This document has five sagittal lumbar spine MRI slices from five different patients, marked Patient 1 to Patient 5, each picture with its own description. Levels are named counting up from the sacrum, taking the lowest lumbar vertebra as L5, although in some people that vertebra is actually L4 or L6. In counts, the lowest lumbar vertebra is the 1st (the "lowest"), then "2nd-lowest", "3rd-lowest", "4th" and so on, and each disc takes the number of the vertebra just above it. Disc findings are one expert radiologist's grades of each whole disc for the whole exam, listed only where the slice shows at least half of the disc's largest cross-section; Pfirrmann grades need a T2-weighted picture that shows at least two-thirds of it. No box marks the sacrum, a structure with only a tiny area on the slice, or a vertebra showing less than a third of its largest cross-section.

Patient 1 of 5:
Sex F | Sagittal slice index 12 | Lumbar spine MR, T1-weighted, sagittal

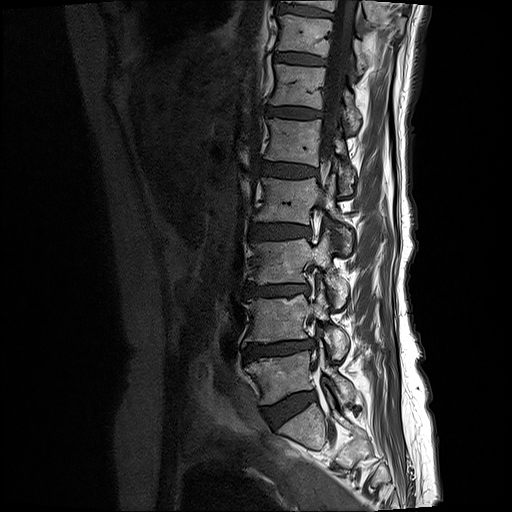
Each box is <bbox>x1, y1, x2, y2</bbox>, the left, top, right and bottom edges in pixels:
4th vertebra at <bbox>255, 174, 354, 248</bbox>, 3rd-lowest vertebra at <bbox>253, 230, 349, 306</bbox>, 3rd-lowest disc at <bbox>246, 283, 309, 296</bbox>, 6th vertebra at <bbox>270, 63, 360, 132</bbox>, 7th vertebra at <bbox>277, 14, 366, 73</bbox>, 4th disc at <bbox>250, 222, 310, 239</bbox>, 5th disc at <bbox>261, 162, 317, 177</bbox>, 2nd-lowest vertebra at <bbox>243, 288, 350, 359</bbox>, spinal canal at <bbox>322, 0, 358, 157</bbox>, 8th disc at <bbox>282, 6, 333, 17</bbox>, 8th vertebra at <bbox>288, 0, 378, 22</bbox>, 2nd-lowest disc at <bbox>245, 339, 316, 360</bbox>, 7th disc at <bbox>275, 54, 326, 64</bbox>, 6th disc at <bbox>270, 107, 321, 118</bbox>, lowest vertebra at <bbox>247, 347, 354, 404</bbox>, 5th vertebra at <bbox>266, 118, 355, 192</bbox>, lowest disc at <bbox>269, 391, 316, 422</bbox>.

Degenerative findings by level:
• 4th disc: lower-endplate change, disc bulging, Modic type II, upper-endplate change
• 8th disc: lower-endplate change, upper-endplate change
• 3rd-lowest disc: disc narrowing, Modic type II, lower-endplate change, upper-endplate change, disc bulging
• lowest disc: disc bulging
• 7th disc: lower-endplate change, upper-endplate change, Modic type II
• 6th disc: Modic type II, upper-endplate change, lower-endplate change
• 2nd-lowest disc: lower-endplate change, upper-endplate change, disc narrowing, disc bulging, Modic type II
• 5th disc: Modic type II, lower-endplate change, upper-endplate change

Patient 2 of 5:
Sagittal slice index 47 | 512x640 px | T2 SPACE (3D) sagittal MRI of the lumbar spine
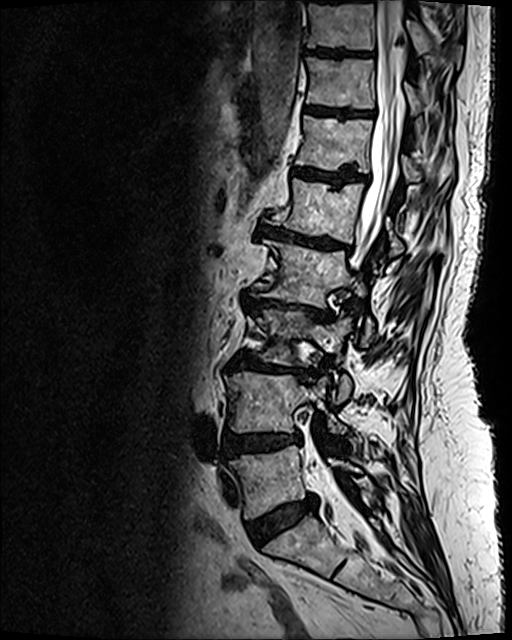

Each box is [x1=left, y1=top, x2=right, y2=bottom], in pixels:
Spinal canal at [x1=326, y1=0, x2=400, y2=487], L1 at [x1=273, y1=179, x2=403, y2=256], L4/L5 at [x1=223, y1=433, x2=300, y2=458], IVD L5/S1 at [x1=247, y1=495, x2=316, y2=543], L5 vertebra at [x1=229, y1=445, x2=361, y2=518], L3 vertebra at [x1=256, y1=310, x2=351, y2=401], T10 vertebra at [x1=307, y1=0, x2=460, y2=64], T10/T11 at [x1=308, y1=49, x2=353, y2=57], IVD T12/L1 at [x1=293, y1=169, x2=367, y2=184], IVD L3/L4 at [x1=230, y1=352, x2=305, y2=377], L2 at [x1=265, y1=240, x2=374, y2=345], IVD L1/L2 at [x1=260, y1=225, x2=349, y2=250], T12 at [x1=296, y1=115, x2=421, y2=180], IVD T11/T12 at [x1=306, y1=107, x2=373, y2=117], L4 vertebra at [x1=226, y1=372, x2=346, y2=432], T11 at [x1=306, y1=58, x2=451, y2=116], L2/L3 at [x1=242, y1=294, x2=332, y2=322].

Per-level radiological findings:
• L1/L2: Pfirrmann grade 5, upper-endplate change, Modic type II, disc narrowing, lower-endplate change, disc bulging
• L4/L5: Pfirrmann grade 4, lower-endplate change, disc bulging, upper-endplate change
• L5/S1: Pfirrmann grade 4, disc bulging
• T12/L1: Pfirrmann grade 4, Modic type II, lower-endplate change, upper-endplate change
• L2/L3: Pfirrmann grade 5, Modic type II, lower-endplate change, disc bulging, disc narrowing, upper-endplate change
• L3/L4: disc bulging, lower-endplate change, Modic type II, disc narrowing, upper-endplate change
• T10/T11: Pfirrmann grade 4, upper-endplate change, lower-endplate change
• T11/T12: Pfirrmann grade 4, lower-endplate change, upper-endplate change

Patient 3 of 5:
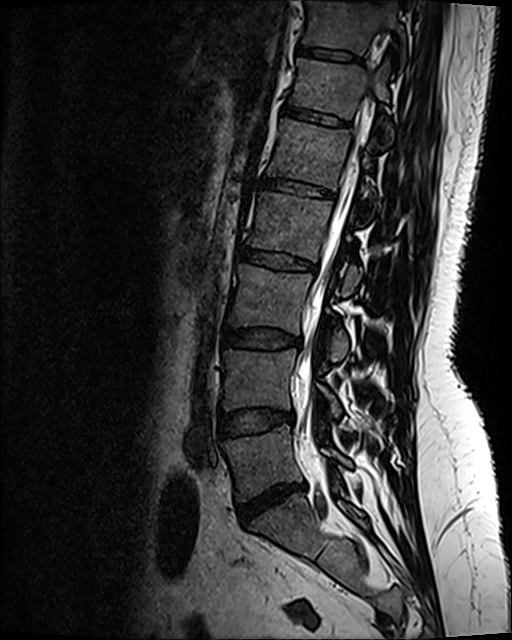 Sex F. Image 512x640. Lumbar spine MR, T2 SPACE (3D), sagittal. Slice 71 of 120.
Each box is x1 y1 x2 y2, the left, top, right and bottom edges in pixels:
T11/T12 (7th disc) — 299 49 359 63.
Thecal sac / spinal canal — 300 143 361 436.
IVD L2/L3 (4th disc) — 238 249 316 272.
L3/L4 (3rd-lowest disc) — 223 329 297 348.
L2 (4th vertebra) — 247 194 360 296.
T11 (7th vertebra) — 304 3 404 54.
L4 (2nd-lowest vertebra) — 224 350 341 419.
IVD T12/L1 (6th disc) — 284 107 349 130.
L5 (lowest vertebra) — 224 425 351 500.
T12 (6th vertebra) — 290 59 389 118.
IVD L1/L2 (5th disc) — 263 180 333 198.
L1 (5th vertebra) — 268 120 371 190.
L5/S1 (lowest disc) — 239 485 303 525.
L3 (3rd-lowest vertebra) — 229 265 348 361.
IVD L4/L5 (2nd-lowest disc) — 221 410 292 437.

Per-level radiological findings:
  L1/L2 (5th disc): Pfirrmann grade 2, upper-endplate change, lower-endplate change
  L3/L4 (3rd-lowest disc): Pfirrmann grade 2, disc bulging
  T12/L1 (6th disc): Pfirrmann grade 2, upper-endplate change, lower-endplate change
  L5/S1 (lowest disc): Pfirrmann grade 1, disc bulging, disc narrowing, disc herniation
  T11/T12 (7th disc): Pfirrmann grade 2
  L4/L5 (2nd-lowest disc): Pfirrmann grade 2, disc bulging
  L2/L3 (4th disc): Pfirrmann grade 4, disc bulging, lower-endplate change, upper-endplate change

Patient 4 of 5:
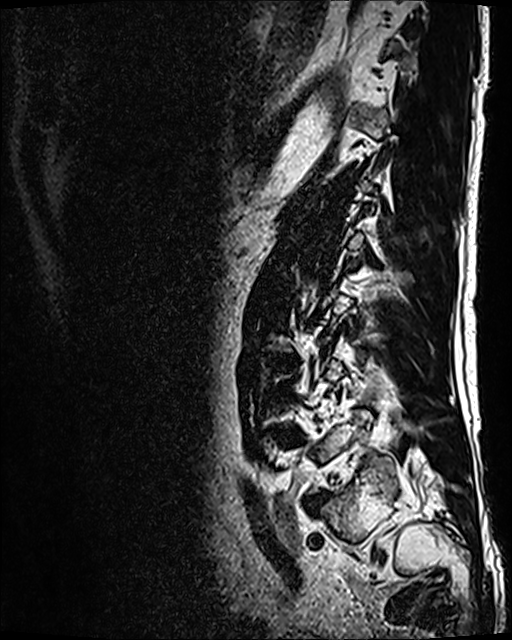
Lumbar spine MR, T2 SPACE (3D), sagittal | Sagittal slice index 29 | Patient sex: M
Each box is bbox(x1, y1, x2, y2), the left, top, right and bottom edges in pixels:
3rd-lowest disc — bbox(270, 355, 284, 361).
2nd-lowest disc — bbox(286, 436, 300, 442).
Lowest disc — bbox(307, 493, 327, 509).

Patient 5 of 5:
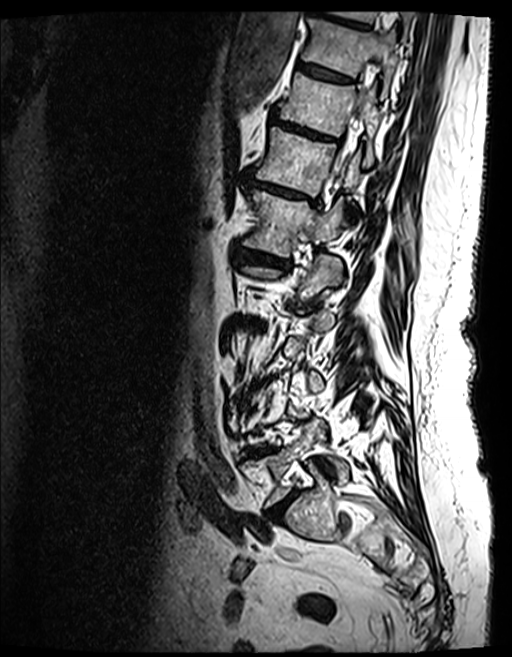

Patient sex: F | Lumbar spine MR, T2 SPACE (3D), sagittal
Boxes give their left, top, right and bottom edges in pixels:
{"intervertebral disc L1/L2 (5th disc)": "left=239, top=249, right=269, bottom=261", "T10 (8th vertebra)": "left=303, top=17, right=400, bottom=97", "intervertebral disc T12/L1 (6th disc)": "left=251, top=180, right=312, bottom=201", "T12 (6th vertebra)": "left=256, top=127, right=364, bottom=214", "intervertebral disc T10/T11 (8th disc)": "left=298, top=62, right=350, bottom=83", "T9/T10 (9th disc)": "left=311, top=1, right=368, bottom=28", "intervertebral disc L5/S1 (lowest disc)": "left=270, top=492, right=297, bottom=517", "L1 (5th vertebra)": "left=247, top=190, right=347, bottom=256", "T11 (7th vertebra)": "left=280, top=74, right=383, bottom=161", "intervertebral disc T11/T12 (7th disc)": "left=272, top=117, right=332, bottom=141"}

Expert MSK radiologist gradings (per disc):
  T12/L1 (6th disc): Pfirrmann grade 4, lower-endplate change, Modic type II, disc narrowing, disc bulging, upper-endplate change
  T11/T12 (7th disc): Pfirrmann grade 5, disc bulging, disc narrowing, lower-endplate change, Modic type II, upper-endplate change
  T10/T11 (8th disc): Pfirrmann grade 4, lower-endplate change, upper-endplate change, Modic type II
  T9/T10 (9th disc): Pfirrmann grade 4, lower-endplate change, disc bulging, Modic type II, upper-endplate change